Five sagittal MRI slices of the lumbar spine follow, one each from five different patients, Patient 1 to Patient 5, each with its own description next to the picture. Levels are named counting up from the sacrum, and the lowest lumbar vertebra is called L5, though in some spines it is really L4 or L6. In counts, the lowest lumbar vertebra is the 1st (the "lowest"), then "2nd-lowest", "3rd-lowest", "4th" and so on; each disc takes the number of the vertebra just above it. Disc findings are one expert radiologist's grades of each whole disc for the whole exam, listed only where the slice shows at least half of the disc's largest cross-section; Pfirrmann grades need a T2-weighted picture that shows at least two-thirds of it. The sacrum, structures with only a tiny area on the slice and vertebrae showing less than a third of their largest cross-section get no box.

Patient 1 of 5:
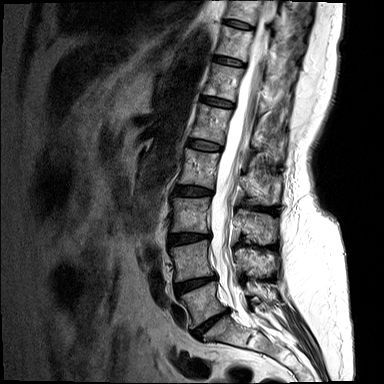 Slice 9/15. T2-weighted sagittal MRI of the lumbar spine.
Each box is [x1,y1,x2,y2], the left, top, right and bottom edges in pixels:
4th vertebra at [179,149,279,205].
7th disc at [214,56,243,66].
5th disc at [187,139,221,151].
4th disc at [173,186,212,196].
8th disc at [225,20,253,29].
2nd-lowest vertebra at [169,240,272,281].
3rd-lowest disc at [168,233,209,245].
5th vertebra at [191,104,285,159].
Lowest vertebra at [178,282,251,328].
Thecal sac / spinal canal at [210,0,272,320].
8th vertebra at [226,0,280,31].
7th vertebra at [215,25,273,69].
6th vertebra at [204,62,268,112].
6th disc at [201,97,233,107].
3rd-lowest vertebra at [171,197,275,244].
Lowest disc at [192,310,227,337].
2nd-lowest disc at [174,275,217,293].

Expert MSK radiologist gradings (per disc):
  8th disc: Pfirrmann grade 2
  7th disc: Pfirrmann grade 3
  3rd-lowest disc: Pfirrmann grade 4, disc narrowing, disc bulging
  6th disc: Pfirrmann grade 3
  4th disc: Pfirrmann grade 3, disc bulging, Modic type II
  5th disc: Pfirrmann grade 3, Modic type II
  2nd-lowest disc: Pfirrmann grade 4, disc bulging, disc narrowing
  lowest disc: Pfirrmann grade 5, Modic type II, disc bulging, disc narrowing

Patient 2 of 5:
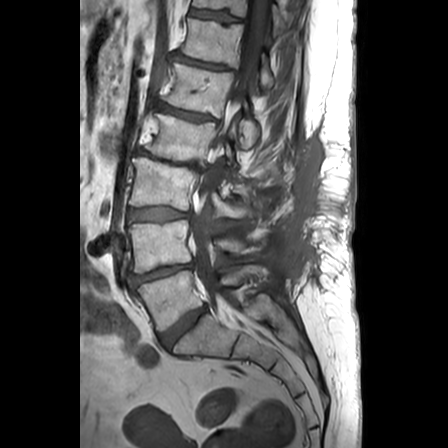 448x448 px. Slice spacing 3.3 mm. Lumbar spine MR, T1-weighted, sagittal.

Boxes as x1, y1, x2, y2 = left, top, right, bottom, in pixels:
L4/L5 at 131, 263, 192, 285; IVD T12/L1 at 172, 53, 230, 70; spinal canal at 191, 0, 268, 299; L3/L4 at 129, 207, 189, 221; L5/S1 at 160, 306, 206, 348; T11 vertebra at 193, 0, 286, 36; L1/L2 at 157, 104, 213, 120; L1 at 163, 63, 259, 148; L3 vertebra at 129, 158, 246, 217; IVD L2/L3 at 136, 149, 202, 171; IVD T11/T12 at 190, 9, 238, 21; T12 vertebra at 181, 18, 273, 89; L2 vertebra at 145, 113, 242, 177; L4 at 128, 220, 259, 273; L5 vertebra at 135, 266, 267, 331.

Per-level radiological findings:
- L4/L5: disc bulging, disc narrowing
- T12/L1: disc narrowing
- L3/L4: disc bulging
- L5/S1: disc bulging
- L1/L2: disc narrowing, Modic type II
- T11/T12: no spondylolisthesis, narrowing, bulging, herniation, Modic or endplate change recorded

Patient 3 of 5:
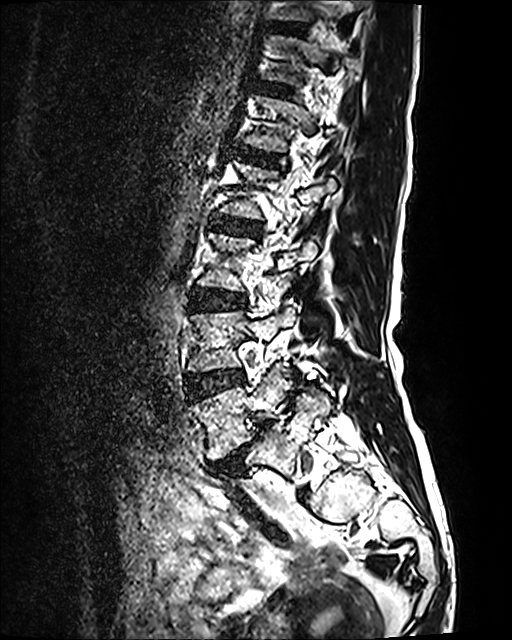 Sagittal T2 SPACE (3D) lumbar spine MRI | Slice 40/120
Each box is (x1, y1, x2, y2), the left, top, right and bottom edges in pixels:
• 2nd-lowest disc = (187, 370, 243, 399)
• 7th disc = (275, 23, 300, 31)
• 3rd-lowest vertebra = (200, 234, 317, 290)
• 6th disc = (263, 83, 290, 95)
• 5th disc = (238, 148, 277, 165)
• lowest disc = (213, 420, 269, 471)
• 2nd-lowest vertebra = (188, 305, 295, 372)
• lowest vertebra = (190, 366, 331, 459)
• 4th disc = (212, 216, 257, 235)
• 3rd-lowest disc = (192, 289, 244, 309)

Radiological gradings:
- lowest disc: disc narrowing, disc bulging, spondylolisthesis, Modic type II
- 2nd-lowest disc: Pfirrmann grade 2
- 3rd-lowest disc, 5th disc, 4th disc: no herniation, bulging, narrowing, spondylolisthesis, endplate or Modic change recorded

Patient 4 of 5:
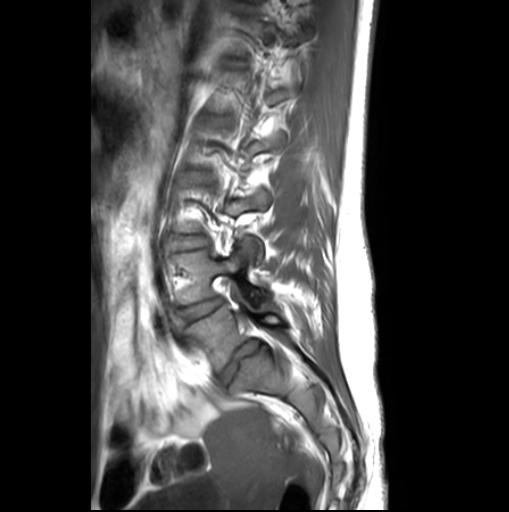

Image 509x512 | Sagittal slice index 7 | Slice spacing 3.3 mm | T1-weighted sagittal MRI of the lumbar spine
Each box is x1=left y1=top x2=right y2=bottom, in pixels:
L3/L4 at x1=173 y1=236 x2=208 y2=250, L4 vertebra at x1=174 y1=235 x2=268 y2=305, IVD L4/L5 at x1=177 y1=298 x2=222 y2=322, L5/S1 at x1=219 y1=341 x2=262 y2=382, L5 vertebra at x1=186 y1=289 x2=283 y2=371, L2/L3 at x1=176 y1=172 x2=214 y2=185.

Degenerative findings by level:
  L5/S1: disc bulging, lower-endplate change, upper-endplate change
  L4/L5: disc bulging
  L2/L3: no herniation, bulging, narrowing, spondylolisthesis, endplate or Modic change recorded

Patient 5 of 5:
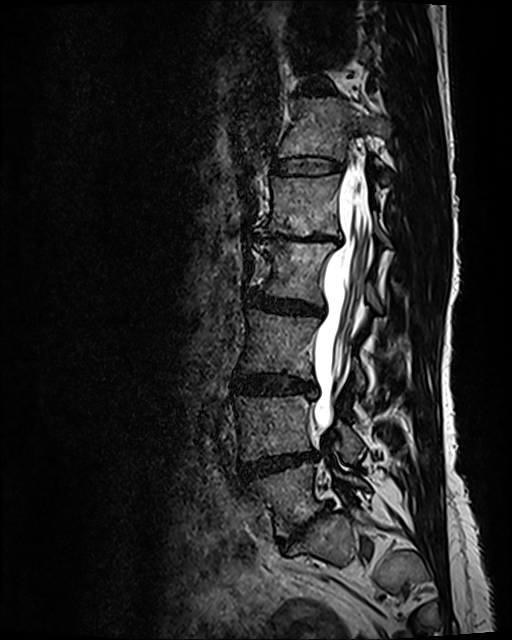 Sagittal T2 SPACE (3D) lumbar spine MRI; Slice 54/120; Patient sex: F
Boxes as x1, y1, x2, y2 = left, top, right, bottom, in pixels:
Annotations:
* intervertebral disc L5/S1 (lowest disc) — 281, 506, 327, 547
* thecal sac / spinal canal — 312, 174, 368, 432
* L1 (5th vertebra) — 257, 175, 389, 244
* intervertebral disc L4/L5 (2nd-lowest disc) — 239, 453, 315, 478
* L4 (2nd-lowest vertebra) — 235, 395, 365, 462
* intervertebral disc T11/T12 (7th disc) — 304, 86, 329, 93
* intervertebral disc L1/L2 (5th disc) — 257, 231, 340, 243
* L3 (3rd-lowest vertebra) — 240, 310, 364, 391
* intervertebral disc L2/L3 (4th disc) — 250, 290, 321, 315
* T12 (6th vertebra) — 278, 98, 391, 182
* intervertebral disc T12/L1 (6th disc) — 272, 156, 342, 175
* L5 (lowest vertebra) — 246, 463, 369, 536
* intervertebral disc L3/L4 (3rd-lowest disc) — 233, 374, 314, 395
* L2 (4th vertebra) — 253, 242, 382, 311

Expert MSK radiologist gradings (per disc):
• L3/L4 (3rd-lowest disc): Pfirrmann grade 3, disc bulging
• L4/L5 (2nd-lowest disc): Pfirrmann grade 4, disc bulging, Modic type II, disc narrowing
• L1/L2 (5th disc): Pfirrmann grade 5, upper-endplate change, lower-endplate change, disc bulging, disc narrowing, Modic type II
• T12/L1 (6th disc): Pfirrmann grade 2
• L2/L3 (4th disc): disc bulging, disc narrowing